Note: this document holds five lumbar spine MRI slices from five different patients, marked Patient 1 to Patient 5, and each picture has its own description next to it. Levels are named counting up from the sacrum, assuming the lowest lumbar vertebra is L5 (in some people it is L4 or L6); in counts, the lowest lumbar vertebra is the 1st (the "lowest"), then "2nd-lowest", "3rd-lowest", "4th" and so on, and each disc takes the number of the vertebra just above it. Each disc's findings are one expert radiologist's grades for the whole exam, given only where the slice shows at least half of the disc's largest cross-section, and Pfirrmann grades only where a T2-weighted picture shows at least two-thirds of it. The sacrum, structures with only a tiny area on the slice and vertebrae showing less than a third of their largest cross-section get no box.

Patient 1 of 5:
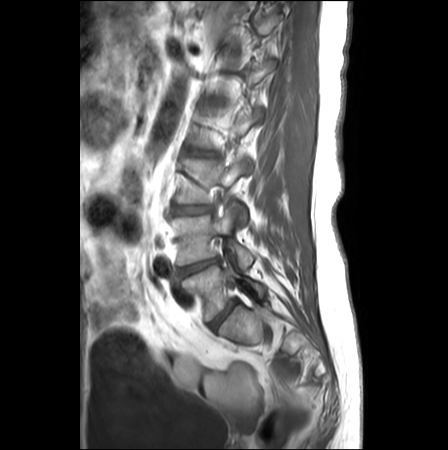
Slice spacing 3.3 mm; Image 448x450; T1-weighted sagittal MRI of the lumbar spine

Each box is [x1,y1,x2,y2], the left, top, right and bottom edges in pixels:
- L5 vertebra — [182,263,271,321]
- intervertebral disc L4/L5 — [179,259,218,277]
- L2/L3 — [190,150,212,155]
- intervertebral disc L3/L4 — [173,205,210,214]
- L5/S1 — [209,301,237,328]
- L3 — [177,158,249,224]
- L4 vertebra — [172,203,254,267]

Radiological gradings:
- L4/L5: lower-endplate change, upper-endplate change, Modic type II, disc narrowing, disc herniation

Patient 2 of 5:
Scanner: SIEMENS Avanto_fit (1.5T). 512x640 px. T2 SPACE (3D) sagittal MRI of the lumbar spine. 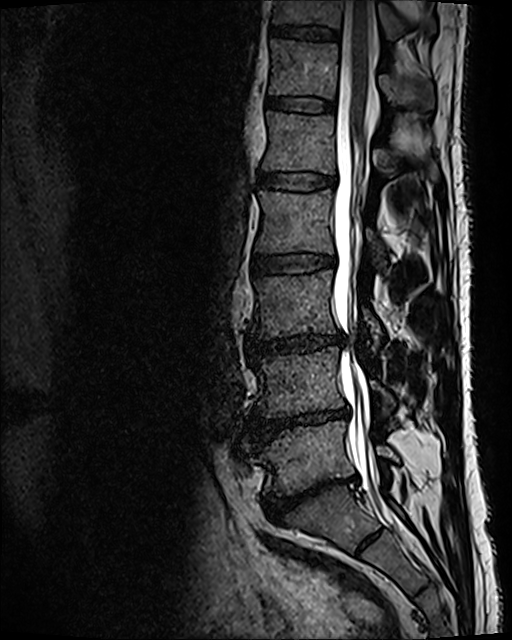 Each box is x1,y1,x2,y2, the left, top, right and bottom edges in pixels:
6th vertebra: 269,40,434,107.
Lowest vertebra: 255,421,398,495.
7th vertebra: 274,0,437,41.
4th vertebra: 256,189,385,269.
7th disc: 269,25,338,40.
Thecal sac / spinal canal: 333,1,393,520.
3rd-lowest vertebra: 252,270,380,344.
Lowest disc: 262,476,357,520.
2nd-lowest vertebra: 254,347,394,416.
6th disc: 268,96,334,111.
5th vertebra: 262,111,439,181.
4th disc: 253,255,334,274.
2nd-lowest disc: 253,407,348,443.
3rd-lowest disc: 248,333,342,353.
5th disc: 259,172,334,190.

Per-level radiological findings:
- lowest disc: Pfirrmann grade 5, disc bulging, lower-endplate change, disc narrowing, spondylolisthesis
- 2nd-lowest disc: Pfirrmann grade 5, lower-endplate change, Modic type II, disc bulging, disc narrowing
- 4th disc: Pfirrmann grade 2
- 3rd-lowest disc: Pfirrmann grade 3, disc narrowing, disc bulging
- 6th disc: Pfirrmann grade 2
- 7th disc: Pfirrmann grade 2
- 5th disc: Pfirrmann grade 2

Patient 3 of 5:
Field of view 280x280 mm | Sagittal T1-weighted lumbar spine MRI | Sagittal slice index 5
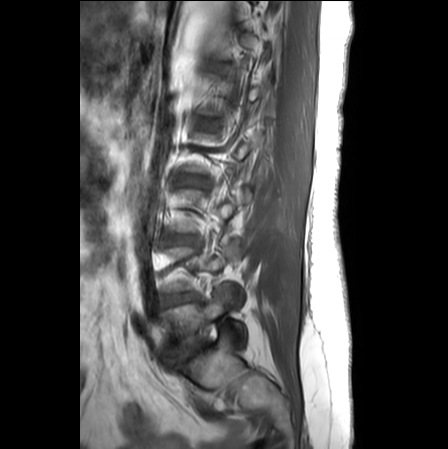
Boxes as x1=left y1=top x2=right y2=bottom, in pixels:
2nd-lowest disc at x1=163 y1=293 x2=195 y2=305, lowest disc at x1=168 y1=342 x2=208 y2=363, 5th disc at x1=197 y1=119 x2=217 y2=131, 4th disc at x1=181 y1=176 x2=205 y2=185, 3rd-lowest disc at x1=167 y1=235 x2=196 y2=243, lowest vertebra at x1=163 y1=285 x2=247 y2=355.

Patient 4 of 5:
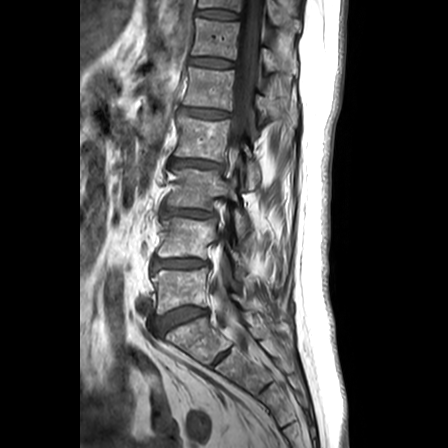 T1-weighted sagittal MRI of the lumbar spine.
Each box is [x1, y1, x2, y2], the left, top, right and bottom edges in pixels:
Segmented structures:
* L5/S1: [158, 306, 207, 332]
* T12/L1: [191, 57, 232, 67]
* L1: [183, 67, 297, 125]
* L5: [152, 268, 250, 314]
* disc T11/T12: [196, 9, 237, 19]
* spinal canal: [212, 0, 261, 349]
* disc L1/L2: [181, 107, 229, 118]
* L3 vertebra: [168, 168, 251, 238]
* L4: [158, 217, 247, 274]
* L2 vertebra: [174, 116, 260, 189]
* disc L3/L4: [164, 207, 214, 217]
* L4/L5: [152, 258, 208, 271]
* T11: [199, 0, 301, 31]
* disc L2/L3: [172, 159, 222, 168]
* T12: [192, 18, 297, 74]

Degenerative findings by level:
  L4/L5: upper-endplate change, Modic type II, disc bulging, lower-endplate change
  L5/S1: Modic type II, lower-endplate change, upper-endplate change
  L2/L3: disc narrowing, Modic type II, upper-endplate change, disc bulging, lower-endplate change
  L3/L4: upper-endplate change, disc narrowing, disc bulging, Modic type II, lower-endplate change
  L1/L2: disc bulging, disc narrowing
  T12/L1, T11/T12: no herniation, bulging, narrowing, spondylolisthesis, endplate or Modic change recorded

Patient 5 of 5:
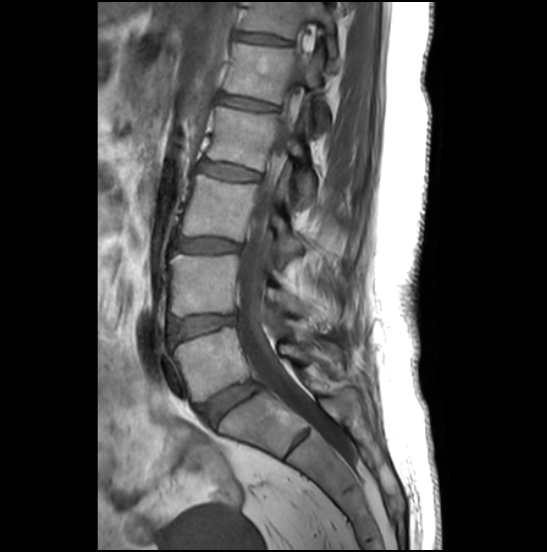

Image 547x552. Slice 13 of 27. T1-weighted sagittal MRI of the lumbar spine.

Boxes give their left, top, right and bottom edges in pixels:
L1 vertebra: left=224, top=44, right=329, bottom=133.
IVD L2/L3: left=198, top=162, right=257, bottom=181.
L5/S1: left=198, top=381, right=260, bottom=424.
L5: left=173, top=327, right=343, bottom=401.
L3 vertebra: left=180, top=175, right=304, bottom=254.
L2 vertebra: left=206, top=107, right=314, bottom=208.
IVD T12/L1: left=237, top=33, right=286, bottom=44.
IVD L3/L4: left=175, top=238, right=237, bottom=251.
IVD L1/L2: left=219, top=95, right=275, bottom=110.
Spinal canal: left=236, top=63, right=319, bottom=422.
L4/L5: left=169, top=315, right=234, bottom=341.
L4 vertebra: left=169, top=252, right=339, bottom=330.
T12 vertebra: left=241, top=2, right=336, bottom=58.

Radiological gradings:
• L1/L2: upper-endplate change
• T12/L1: upper-endplate change, lower-endplate change
• L4/L5: disc bulging
• L3/L4: disc bulging
• L5/S1: disc bulging
• L2/L3: no herniation, bulging, narrowing, spondylolisthesis, endplate or Modic change recorded